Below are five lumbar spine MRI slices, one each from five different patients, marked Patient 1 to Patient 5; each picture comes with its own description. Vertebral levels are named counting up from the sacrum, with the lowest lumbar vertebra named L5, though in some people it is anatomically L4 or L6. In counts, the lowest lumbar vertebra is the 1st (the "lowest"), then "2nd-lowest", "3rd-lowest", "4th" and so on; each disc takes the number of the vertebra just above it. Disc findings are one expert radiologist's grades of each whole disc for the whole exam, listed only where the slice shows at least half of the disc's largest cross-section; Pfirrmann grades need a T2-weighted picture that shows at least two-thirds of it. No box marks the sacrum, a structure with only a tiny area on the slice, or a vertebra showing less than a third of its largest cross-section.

Patient 1 of 5:
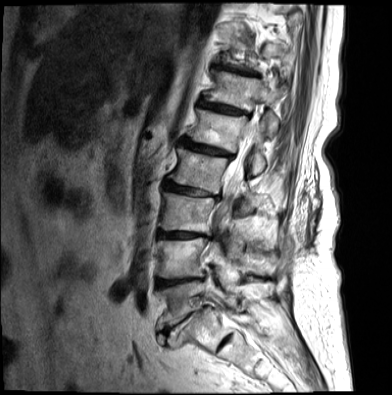 Lumbar spine MR, T2-weighted, sagittal; Field of view 280x282 mm, slice spacing 4.4 mm; Slice 6/17
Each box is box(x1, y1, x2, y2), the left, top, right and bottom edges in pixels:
{"disc L3/L4": "box(155, 230, 207, 239)", "L2 vertebra": "box(167, 148, 266, 211)", "L1/L2": "box(179, 138, 232, 158)", "thecal sac / spinal canal": "box(209, 127, 254, 258)", "L1": "box(187, 110, 268, 174)", "T12 vertebra": "box(203, 72, 285, 136)", "disc L2/L3": "box(162, 180, 217, 198)", "L3": "box(157, 192, 245, 246)", "L4/L5": "box(154, 278, 202, 288)", "disc T12/L1": "box(197, 100, 243, 114)", "L5": "box(154, 279, 232, 330)", "L4 vertebra": "box(154, 238, 233, 281)", "L5/S1": "box(162, 312, 200, 338)", "T11/T12": "box(216, 66, 253, 75)"}

Expert MSK radiologist gradings (per disc):
  T12/L1: Pfirrmann grade 4, Modic type II, disc bulging, upper-endplate change, disc narrowing, lower-endplate change
  L4/L5: upper-endplate change, disc bulging, lower-endplate change, disc narrowing, Modic type II
  T11/T12: Modic type II, disc bulging, disc narrowing
  L2/L3: Pfirrmann grade 3, lower-endplate change, disc bulging, Modic type II, upper-endplate change, disc herniation, disc narrowing
  L3/L4: Pfirrmann grade 5, lower-endplate change, disc bulging, upper-endplate change, disc narrowing, Modic type II
  L1/L2: Pfirrmann grade 4, upper-endplate change, disc bulging, lower-endplate change, Modic type II, disc narrowing

Patient 2 of 5:
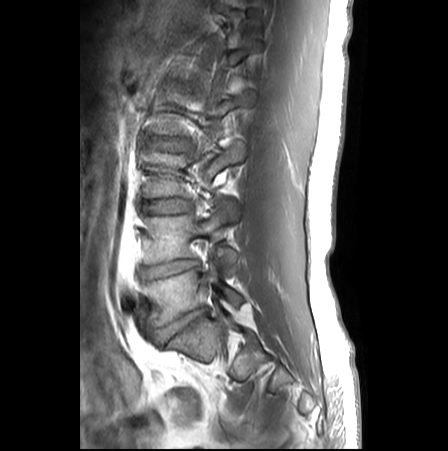 Lumbar spine MR, T1-weighted, sagittal | Sagittal slice index 19 | Sex M
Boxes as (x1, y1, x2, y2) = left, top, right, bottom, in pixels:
Annotations:
• L3 (3rd-lowest vertebra) at (144, 142, 245, 198)
• L4 (2nd-lowest vertebra) at (145, 199, 238, 274)
• disc L2/L3 (4th disc) at (153, 137, 186, 149)
• L5/S1 (lowest disc) at (157, 309, 206, 341)
• L3/L4 (3rd-lowest disc) at (147, 199, 188, 213)
• L5 (lowest vertebra) at (146, 256, 243, 325)
• L4/L5 (2nd-lowest disc) at (143, 260, 198, 280)

Expert MSK radiologist gradings (per disc):
  L4/L5 (2nd-lowest disc): disc narrowing, disc bulging

Patient 3 of 5:
Slice 72/154; Image 512x657; Field of view 240x308 mm; Sex F; SIEMENS Avanto_fit (1.5T); Lumbar spine MR, T2 SPACE (3D), sagittal

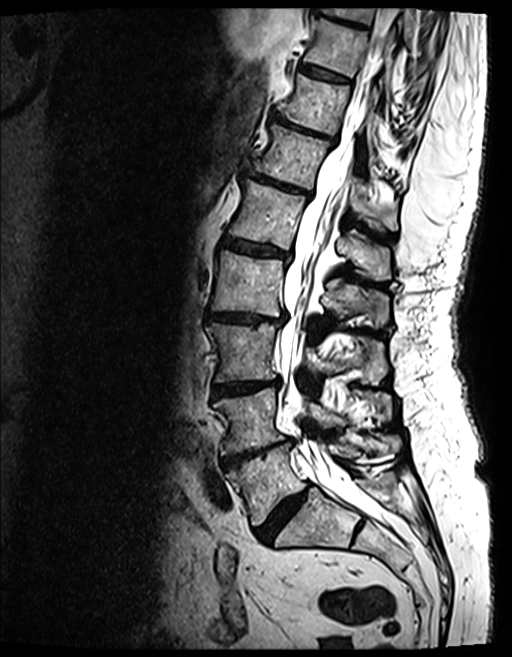
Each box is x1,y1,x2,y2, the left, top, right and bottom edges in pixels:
Disc T12/L1 (6th disc) at 245,170,310,197; L1/L2 (5th disc) at 224,238,288,260; disc L4/L5 (2nd-lowest disc) at 221,439,292,468; L3/L4 (3rd-lowest disc) at 212,380,278,396; disc T10/T11 (8th disc) at 300,63,350,82; spinal canal at 280,8,397,511; disc T11/T12 (7th disc) at 272,113,336,141; L4 (2nd-lowest vertebra) at 213,388,392,455; T11 (7th vertebra) at 278,74,376,157; T9/T10 (9th disc) at 314,6,367,28; L5 (lowest vertebra) at 227,436,400,525; T12 (6th vertebra) at 252,125,397,230; L2 (4th vertebra) at 212,252,388,326; L3 (3rd-lowest vertebra) at 206,322,386,383; T10 (8th vertebra) at 303,18,393,94; T9 (9th vertebra) at 329,8,414,41; L1 (5th vertebra) at 229,180,389,281; L2/L3 (4th disc) at 206,312,283,324; disc L5/S1 (lowest disc) at 256,485,310,541.

Degenerative findings by level:
  L1/L2 (5th disc): Pfirrmann grade 4, upper-endplate change, lower-endplate change, disc narrowing, Modic type II, disc bulging
  L5/S1 (lowest disc): Pfirrmann grade 4, disc bulging, disc narrowing
  L2/L3 (4th disc): Pfirrmann grade 4, disc bulging, Modic type II, lower-endplate change, upper-endplate change, disc narrowing
  T12/L1 (6th disc): Pfirrmann grade 4, disc bulging, Modic type II, lower-endplate change, disc narrowing, upper-endplate change
  T10/T11 (8th disc): Pfirrmann grade 4, upper-endplate change, Modic type II, lower-endplate change
  L3/L4 (3rd-lowest disc): Pfirrmann grade 4, disc narrowing, lower-endplate change, upper-endplate change, Modic type II, disc bulging
  T11/T12 (7th disc): Pfirrmann grade 5, lower-endplate change, disc bulging, disc narrowing, Modic type II, upper-endplate change
  L4/L5 (2nd-lowest disc): disc bulging, Modic type II, disc narrowing, lower-endplate change, upper-endplate change
  T9/T10 (9th disc): disc bulging, Modic type II, upper-endplate change, lower-endplate change

Patient 4 of 5:
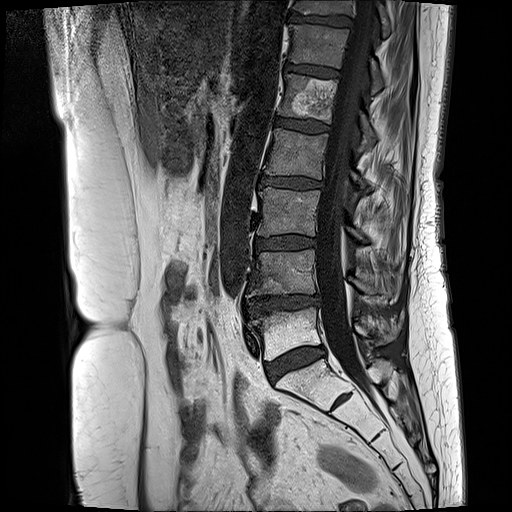 Sagittal T1-weighted lumbar spine MRI
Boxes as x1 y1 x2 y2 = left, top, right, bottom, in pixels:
3rd-lowest vertebra: 257 186 368 241.
2nd-lowest vertebra: 247 250 402 298.
6th vertebra: 291 25 386 93.
5th vertebra: 279 74 378 149.
5th disc: 275 118 329 131.
7th vertebra: 293 0 391 35.
2nd-lowest disc: 245 294 319 315.
3rd-lowest disc: 256 237 316 249.
Lowest vertebra: 249 307 400 358.
Lowest disc: 267 346 326 381.
4th vertebra: 263 129 368 188.
4th disc: 259 177 322 188.
6th disc: 286 63 340 77.
7th disc: 291 14 352 27.
Thecal sac / spinal canal: 316 0 376 400.

Radiological gradings:
• 2nd-lowest disc: upper-endplate change, lower-endplate change, Modic type II, disc narrowing, disc bulging
• 5th disc: Modic type II
• lowest disc: disc bulging, Modic type II
• 3rd-lowest disc: disc bulging, Modic type II
• 6th disc: Modic type II
• 7th disc: lower-endplate change, Modic type II, upper-endplate change
• 4th disc: Modic type II, disc bulging

Patient 5 of 5:
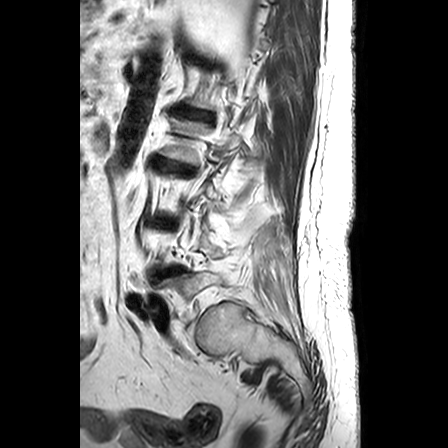

Field of view 280x280 mm, slice spacing 3.3 mm; Patient sex: F; Sagittal T2-weighted lumbar spine MRI
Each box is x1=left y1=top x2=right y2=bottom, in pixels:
L2/L3 (4th disc) at x1=154 y1=158 x2=192 y2=174, IVD L1/L2 (5th disc) at x1=178 y1=108 x2=211 y2=120, IVD L4/L5 (2nd-lowest disc) at x1=151 y1=267 x2=182 y2=279.

Per-level radiological findings:
  L2/L3 (4th disc): Pfirrmann grade 5, spondylolisthesis, disc narrowing, Modic type II, disc bulging